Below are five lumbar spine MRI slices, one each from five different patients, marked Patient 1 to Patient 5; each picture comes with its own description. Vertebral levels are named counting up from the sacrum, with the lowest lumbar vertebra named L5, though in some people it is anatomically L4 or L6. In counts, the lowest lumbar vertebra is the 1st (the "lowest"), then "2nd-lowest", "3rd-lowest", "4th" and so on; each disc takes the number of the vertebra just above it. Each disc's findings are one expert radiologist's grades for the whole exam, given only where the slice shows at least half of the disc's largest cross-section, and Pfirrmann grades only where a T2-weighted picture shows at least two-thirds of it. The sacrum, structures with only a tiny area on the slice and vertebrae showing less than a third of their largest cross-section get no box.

Patient 1 of 5:
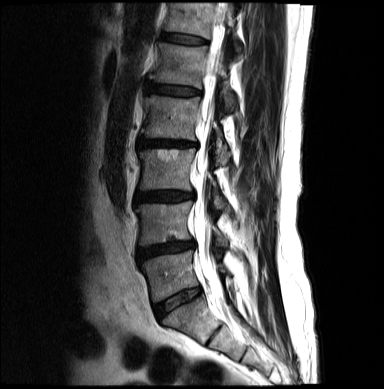 Field of view 260x264 mm; MRI lumbar spine (T2-weighted), sagittal plane; Image 384x389; Patient sex: M
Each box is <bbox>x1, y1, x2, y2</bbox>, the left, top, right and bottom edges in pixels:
L5/S1 — <bbox>154, 287, 200, 318</bbox>.
L5 vertebra — <bbox>142, 250, 229, 302</bbox>.
L1 — <bbox>149, 43, 235, 109</bbox>.
Intervertebral disc L4/L5 — <bbox>137, 240, 194, 259</bbox>.
Thecal sac / spinal canal — <bbox>194, 8, 222, 294</bbox>.
T12/L1 — <bbox>161, 33, 207, 44</bbox>.
L2 — <bbox>141, 96, 230, 164</bbox>.
T12 vertebra — <bbox>165, 3, 241, 51</bbox>.
L3/L4 — <bbox>135, 191, 193, 204</bbox>.
L2/L3 — <bbox>138, 138, 197, 148</bbox>.
L3 vertebra — <bbox>139, 149, 226, 208</bbox>.
L4 vertebra — <bbox>136, 201, 228, 245</bbox>.
Intervertebral disc L1/L2 — <bbox>145, 81, 200, 96</bbox>.

Per-level radiological findings:
  L2/L3: Pfirrmann grade 4, lower-endplate change, Modic type II, disc bulging, upper-endplate change, disc narrowing
  L3/L4: Pfirrmann grade 4, disc bulging
  L5/S1: Pfirrmann grade 3
  L4/L5: Pfirrmann grade 4, disc bulging, lower-endplate change, disc narrowing
  T12/L1: Pfirrmann grade 3
  L1/L2: Pfirrmann grade 3, upper-endplate change, lower-endplate change

Patient 2 of 5:
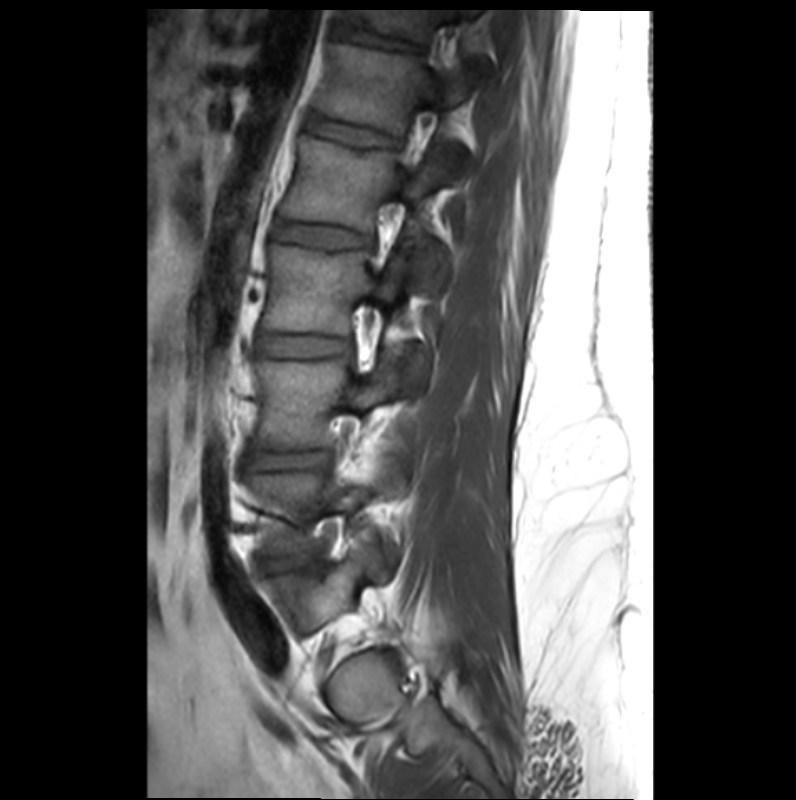 Field of view 283x285 mm, slice spacing 3.4 mm. MRI lumbar spine (T1-weighted), sagittal plane. 796x800 px. Patient sex: M.
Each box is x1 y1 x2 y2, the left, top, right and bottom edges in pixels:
{"L5": "260 542 389 634", "L2": "263 241 427 387", "L1/L2": "273 220 371 248", "L2/L3": "256 333 352 356", "L3 vertebra": "253 356 402 447", "intervertebral disc T11/T12": "334 22 421 51", "L4": "245 458 400 560", "L3/L4": "245 448 330 467", "T12": "314 42 472 182", "intervertebral disc L4/L5": "262 558 302 570", "L1 vertebra": "281 135 456 291", "intervertebral disc T12/L1": "304 114 395 145", "T11": "340 10 489 72"}

Per-level radiological findings:
• T11/T12: lower-endplate change
• L1/L2: lower-endplate change, upper-endplate change
• T12/L1: lower-endplate change, upper-endplate change
• L2/L3, L3/L4: no herniation, bulging, narrowing, spondylolisthesis, endplate or Modic change recorded

Patient 3 of 5:
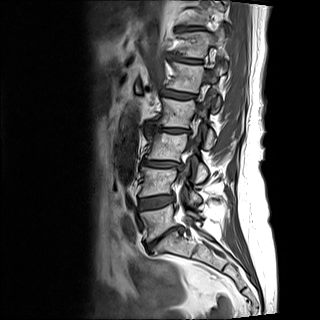
Slice 10/15, T1-weighted sagittal MRI of the lumbar spine

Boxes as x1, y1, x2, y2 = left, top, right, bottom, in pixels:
L2 vertebra at 152, 98, 214, 148; L3 at 145, 131, 208, 181; L1 vertebra at 166, 62, 226, 113; L5 at 140, 204, 201, 241; L4 vertebra at 139, 166, 201, 202; spinal canal at 179, 35, 219, 186; T11 at 182, 0, 224, 25; L2/L3 at 147, 124, 188, 133; T12 at 174, 1, 227, 58; intervertebral disc L4/L5 at 139, 196, 173, 209; intervertebral disc L1/L2 at 161, 89, 196, 99; L3/L4 at 143, 160, 183, 169; intervertebral disc T12/L1 at 172, 54, 203, 64; T11/T12 at 175, 26, 206, 31; L5/S1 at 146, 227, 182, 249.

Radiological gradings:
- L5/S1: lower-endplate change, upper-endplate change, disc narrowing, disc bulging, Modic type II
- L3/L4: disc narrowing, Modic type II, disc bulging, upper-endplate change, lower-endplate change
- T12/L1: lower-endplate change, disc bulging, upper-endplate change, Modic type III, disc narrowing
- L1/L2: disc bulging, lower-endplate change, Modic type II, upper-endplate change
- T11/T12: disc bulging, upper-endplate change, Modic type II, lower-endplate change, disc narrowing
- L2/L3: lower-endplate change, Modic type III, disc narrowing, disc bulging, upper-endplate change
- L4/L5: disc bulging, Modic type II, lower-endplate change, upper-endplate change

Patient 4 of 5:
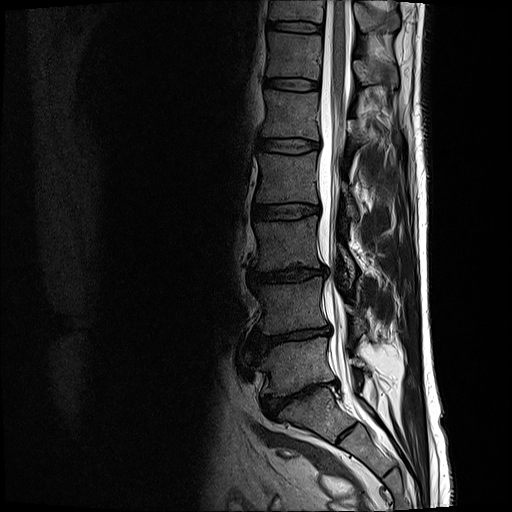
T2-weighted sagittal MRI of the lumbar spine.
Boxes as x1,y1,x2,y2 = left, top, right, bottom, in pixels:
{"5th disc": "258,137,319,152", "2nd-lowest vertebra": "255,277,366,334", "6th vertebra": "267,32,398,86", "lowest disc": "262,380,335,417", "6th disc": "266,77,318,89", "3rd-lowest vertebra": "253,215,355,277", "lowest vertebra": "256,338,368,396", "thecal sac / spinal canal": "318,1,365,416", "3rd-lowest disc": "250,267,325,282", "5th vertebra": "262,89,401,144", "4th disc": "254,204,319,219", "7th disc": "267,21,322,32", "4th vertebra": "257,151,358,217", "2nd-lowest disc": "254,326,329,354", "7th vertebra": "270,0,401,32"}

Radiological gradings:
  7th disc: Pfirrmann grade 2
  5th disc: Pfirrmann grade 2
  lowest disc: Pfirrmann grade 5, disc narrowing, disc bulging, lower-endplate change, spondylolisthesis
  2nd-lowest disc: Pfirrmann grade 5, lower-endplate change, Modic type II, disc narrowing, disc bulging
  6th disc: Pfirrmann grade 2
  3rd-lowest disc: Pfirrmann grade 3, disc bulging, disc narrowing
  4th disc: Pfirrmann grade 2

Patient 5 of 5:
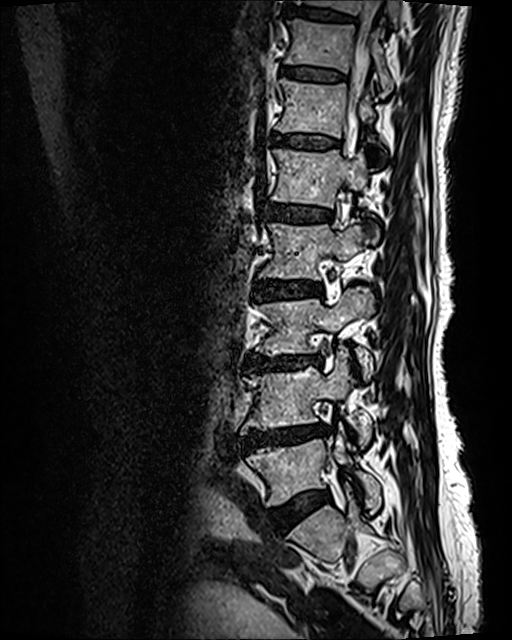 Sagittal slice index 77 | T2 SPACE (3D) sagittal MRI of the lumbar spine
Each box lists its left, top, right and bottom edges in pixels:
T11 (7th vertebra) — left=285, top=19, right=393, bottom=95.
Intervertebral disc T11/T12 (7th disc) — left=282, top=69, right=344, bottom=81.
L1 (5th vertebra) — left=271, top=148, right=367, bottom=208.
Spinal canal — left=348, top=0, right=382, bottom=127.
L4 (2nd-lowest vertebra) — left=241, top=358, right=372, bottom=446.
L5 (lowest vertebra) — left=247, top=432, right=380, bottom=507.
L2 (4th vertebra) — left=258, top=219, right=368, bottom=279.
Intervertebral disc T10/T11 (8th disc) — left=289, top=7, right=352, bottom=21.
L5/S1 (lowest disc) — left=277, top=490, right=329, bottom=525.
L3/L4 (3rd-lowest disc) — left=246, top=355, right=321, bottom=370.
L1/L2 (5th disc) — left=268, top=204, right=331, bottom=221.
Intervertebral disc L4/L5 (2nd-lowest disc) — left=244, top=425, right=329, bottom=448.
T10 (8th vertebra) — left=295, top=0, right=400, bottom=23.
L3 (3rd-lowest vertebra) — left=258, top=287, right=373, bottom=379.
Intervertebral disc L2/L3 (4th disc) — left=254, top=279, right=321, bottom=299.
Intervertebral disc T12/L1 (6th disc) — left=275, top=134, right=337, bottom=148.
T12 (6th vertebra) — left=275, top=78, right=374, bottom=137.

Per-level radiological findings:
  T12/L1 (6th disc): Pfirrmann grade 2, upper-endplate change, lower-endplate change, Modic type II
  L3/L4 (3rd-lowest disc): lower-endplate change, disc narrowing, disc bulging, upper-endplate change, Modic type II
  L1/L2 (5th disc): Pfirrmann grade 3, Modic type II, upper-endplate change, lower-endplate change
  L5/S1 (lowest disc): disc bulging
  L2/L3 (4th disc): Pfirrmann grade 3, disc bulging, upper-endplate change, lower-endplate change, Modic type II
  T11/T12 (7th disc): Pfirrmann grade 2, lower-endplate change, upper-endplate change, Modic type II
  L4/L5 (2nd-lowest disc): Pfirrmann grade 4, lower-endplate change, disc bulging, disc narrowing, upper-endplate change, Modic type II
  T10/T11 (8th disc): Pfirrmann grade 2, upper-endplate change, lower-endplate change